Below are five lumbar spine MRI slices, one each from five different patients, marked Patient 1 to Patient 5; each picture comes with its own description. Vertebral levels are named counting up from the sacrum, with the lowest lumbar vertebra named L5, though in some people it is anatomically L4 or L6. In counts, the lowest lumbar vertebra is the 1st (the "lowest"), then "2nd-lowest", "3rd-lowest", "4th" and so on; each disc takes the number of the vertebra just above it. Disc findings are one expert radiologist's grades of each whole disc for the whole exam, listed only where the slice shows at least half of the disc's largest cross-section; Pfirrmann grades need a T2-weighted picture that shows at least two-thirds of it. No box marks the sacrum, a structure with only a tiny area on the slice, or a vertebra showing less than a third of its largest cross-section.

Patient 1 of 5:
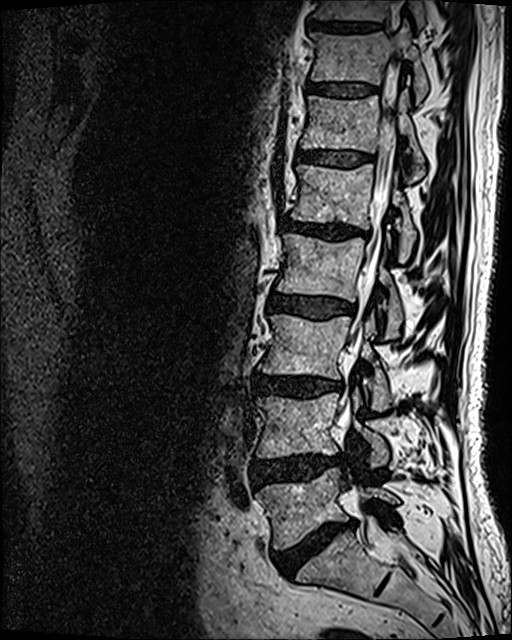 Slice 74/120; Patient sex: M; T2 SPACE (3D) sagittal MRI of the lumbar spine
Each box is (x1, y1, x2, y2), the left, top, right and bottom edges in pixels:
Segmented structures:
* 7th vertebra: (311, 20, 427, 102)
* 4th disc: (267, 293, 354, 319)
* 7th disc: (308, 84, 374, 96)
* 3rd-lowest vertebra: (258, 312, 391, 411)
* 6th vertebra: (301, 89, 425, 181)
* 8th vertebra: (312, 0, 425, 30)
* thecal sac / spinal canal: (337, 101, 404, 559)
* 5th disc: (284, 219, 366, 238)
* 2nd-lowest disc: (253, 454, 336, 486)
* 8th disc: (308, 20, 378, 31)
* 6th disc: (297, 151, 372, 167)
* 4th vertebra: (277, 232, 403, 338)
* lowest vertebra: (257, 468, 398, 548)
* lowest disc: (272, 521, 354, 577)
* 2nd-lowest vertebra: (257, 388, 389, 468)
* 3rd-lowest disc: (252, 374, 343, 398)
* 5th vertebra: (291, 164, 415, 262)

Degenerative findings by level:
  2nd-lowest disc: Pfirrmann grade 4, disc herniation, disc bulging
  lowest disc: Pfirrmann grade 5, Modic type II, disc bulging, lower-endplate change, disc narrowing
  7th disc: Pfirrmann grade 3
  6th disc: Pfirrmann grade 3
  5th disc: Pfirrmann grade 4, Modic type II, disc bulging, disc narrowing, lower-endplate change, upper-endplate change
  3rd-lowest disc: Pfirrmann grade 4, Modic type II, disc bulging, disc narrowing, lower-endplate change
  4th disc: Pfirrmann grade 3, disc bulging

Patient 2 of 5:
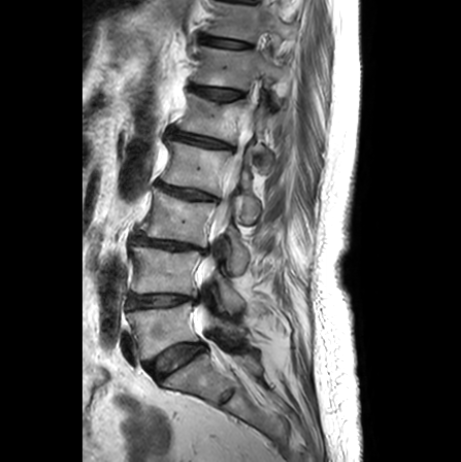
MRI lumbar spine (T2-weighted), sagittal plane | 461x462 px

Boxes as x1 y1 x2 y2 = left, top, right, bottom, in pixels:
T11/T12 — 201 35 249 48.
Disc L1/L2 — 169 130 230 147.
L4 — 131 245 243 310.
L5 — 127 302 244 359.
L1 — 177 93 272 174.
T12 vertebra — 194 45 280 89.
T11 vertebra — 207 3 298 40.
Disc L4/L5 — 127 294 193 308.
T12/L1 — 192 85 241 99.
Disc L5/S1 — 145 343 205 380.
L2 vertebra — 161 141 260 222.
L2/L3 — 157 181 215 199.
L3 vertebra — 140 187 249 273.
Disc L3/L4 — 131 229 205 253.
Thecal sac / spinal canal — 194 112 252 336.

Radiological gradings:
• L5/S1: Pfirrmann grade 3, Modic type II
• L3/L4: Pfirrmann grade 5, upper-endplate change, lower-endplate change, Modic type II, disc narrowing
• L4/L5: Pfirrmann grade 2, disc narrowing, Modic type II
• L2/L3: Pfirrmann grade 3, lower-endplate change, upper-endplate change, disc narrowing
• L1/L2: Pfirrmann grade 3, disc bulging, lower-endplate change, upper-endplate change, disc narrowing
• T11/T12: Pfirrmann grade 1
• T12/L1: Pfirrmann grade 2, upper-endplate change

Patient 3 of 5:
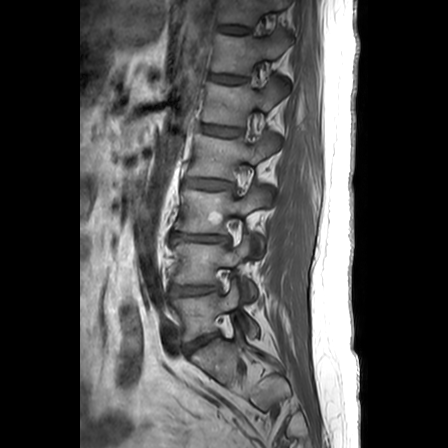

Lumbar spine MR, T1-weighted, sagittal

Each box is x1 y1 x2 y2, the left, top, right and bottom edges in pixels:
T11 vertebra at 219 0 289 25, IVD L3/L4 at 172 232 230 243, L3 vertebra at 176 187 270 257, L2 at 190 133 280 179, L5 vertebra at 174 280 259 342, L1 at 202 76 290 125, L1/L2 at 199 124 243 136, L4/L5 at 173 285 221 295, IVD T12/L1 at 210 73 248 83, T11/T12 at 218 24 250 33, L4 vertebra at 173 235 258 296, IVD L2/L3 at 186 178 234 189, L5/S1 at 186 334 219 351, T12 at 212 26 295 73.

Radiological gradings:
- L4/L5: disc bulging
- L3/L4: lower-endplate change, disc narrowing, upper-endplate change, disc herniation, Modic type II
- T12/L1, L1/L2, T11/T12, L2/L3: no spondylolisthesis, narrowing, bulging, herniation, Modic or endplate change recorded

Patient 4 of 5:
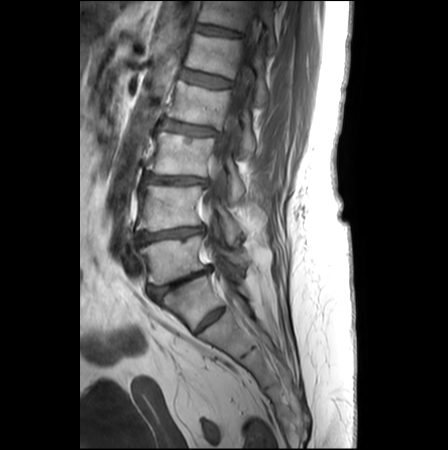
Slice 15 of 25. Lumbar spine MR, T1-weighted, sagittal.

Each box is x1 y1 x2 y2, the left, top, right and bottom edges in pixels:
5th disc = 181 69 231 87 | 3rd-lowest disc = 144 173 206 183 | 4th disc = 159 119 218 135 | 2nd-lowest vertebra = 137 186 242 246 | 2nd-lowest disc = 136 226 203 244 | 5th vertebra = 185 33 268 104 | lowest disc = 149 265 211 299 | spinal canal = 203 58 249 295 | 6th vertebra = 198 1 274 50 | 6th disc = 195 24 241 36 | 4th vertebra = 167 81 255 157 | lowest vertebra = 140 235 245 284 | 3rd-lowest vertebra = 146 131 244 202

Per-level radiological findings:
- 3rd-lowest disc: Modic type II, upper-endplate change, lower-endplate change, disc narrowing, disc bulging
- 4th disc: Modic type II, disc narrowing, upper-endplate change, disc bulging, lower-endplate change
- 6th disc: lower-endplate change
- 2nd-lowest disc: upper-endplate change, Modic type II, disc narrowing, disc bulging, lower-endplate change
- lowest disc: disc bulging, upper-endplate change, disc narrowing, lower-endplate change, Modic type II
- 5th disc: no spondylolisthesis, narrowing, bulging, herniation, Modic or endplate change recorded

Patient 5 of 5:
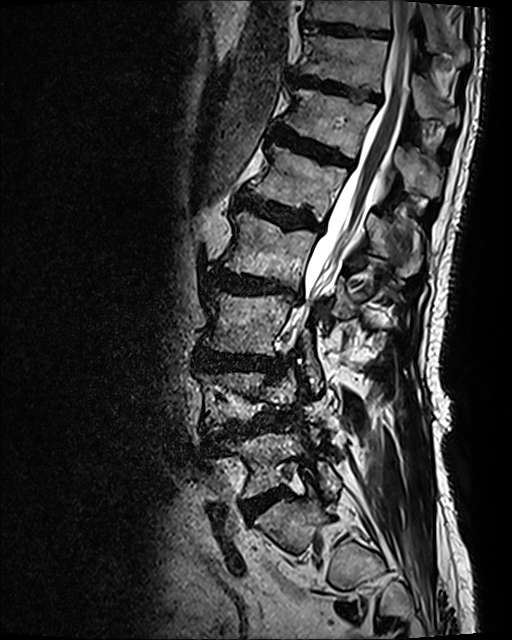 MRI lumbar spine (T2 SPACE (3D)), sagittal plane; Slice 82 of 120; 512x640 px

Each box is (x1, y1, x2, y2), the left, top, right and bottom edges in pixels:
{"L2/L3 (4th disc)": "(211, 266, 298, 296)", "T10 (8th vertebra)": "(302, 0, 450, 50)", "T11 (7th vertebra)": "(301, 31, 457, 123)", "T10/T11 (8th disc)": "(306, 22, 390, 39)", "IVD T12/L1 (6th disc)": "(274, 124, 351, 166)", "IVD L3/L4 (3rd-lowest disc)": "(194, 349, 283, 373)", "L2 (4th vertebra)": "(222, 211, 355, 318)", "L1/L2 (5th disc)": "(239, 194, 316, 229)", "L5 (lowest vertebra)": "(227, 430, 341, 497)", "L1 (5th vertebra)": "(249, 144, 422, 276)", "L3 (3rd-lowest vertebra)": "(204, 289, 322, 393)", "spinal canal": "(292, 1, 415, 325)", "IVD T11/T12 (7th disc)": "(292, 70, 380, 101)", "IVD L4/L5 (2nd-lowest disc)": "(221, 423, 258, 437)", "T12 (6th vertebra)": "(284, 88, 442, 197)", "L5/S1 (lowest disc)": "(241, 489, 285, 519)"}

Per-level radiological findings:
- L1/L2 (5th disc): Pfirrmann grade 4, lower-endplate change, Modic type II, disc bulging, upper-endplate change
- T11/T12 (7th disc): Pfirrmann grade 4, upper-endplate change, disc bulging, lower-endplate change
- L3/L4 (3rd-lowest disc): Pfirrmann grade 4, upper-endplate change, lower-endplate change, disc bulging
- T12/L1 (6th disc): Pfirrmann grade 4, disc bulging, lower-endplate change, Modic type II, upper-endplate change
- T10/T11 (8th disc): Pfirrmann grade 3
- L2/L3 (4th disc): Pfirrmann grade 4, disc bulging, disc narrowing, upper-endplate change, lower-endplate change, Modic type I